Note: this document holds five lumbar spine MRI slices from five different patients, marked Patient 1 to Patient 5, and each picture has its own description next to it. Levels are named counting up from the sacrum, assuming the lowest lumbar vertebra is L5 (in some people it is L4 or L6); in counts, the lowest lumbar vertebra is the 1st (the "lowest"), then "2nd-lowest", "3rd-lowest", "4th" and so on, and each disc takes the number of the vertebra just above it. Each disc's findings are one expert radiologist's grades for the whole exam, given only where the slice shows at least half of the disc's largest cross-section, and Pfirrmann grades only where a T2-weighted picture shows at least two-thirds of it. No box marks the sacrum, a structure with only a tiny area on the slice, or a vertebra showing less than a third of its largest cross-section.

Patient 1 of 5:
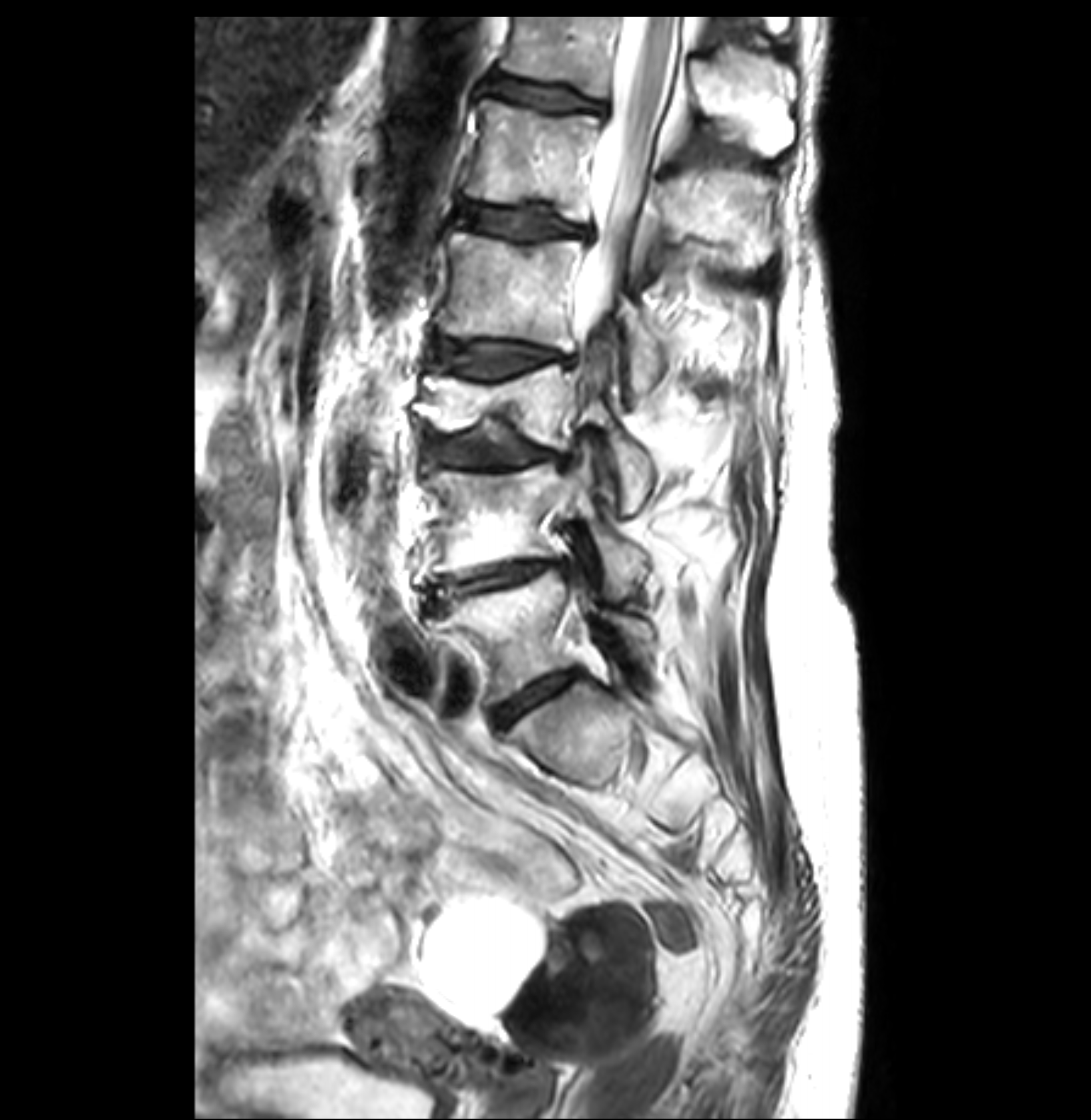
MRI lumbar spine (T2-weighted), sagittal plane. Sex F.
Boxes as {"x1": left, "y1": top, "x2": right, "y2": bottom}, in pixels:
5th vertebra at {"x1": 465, "y1": 100, "x2": 779, "y2": 266}, lowest disc at {"x1": 492, "y1": 671, "x2": 577, "y2": 725}, 5th disc at {"x1": 460, "y1": 203, "x2": 594, "y2": 242}, lowest vertebra at {"x1": 426, "y1": 568, "x2": 654, "y2": 703}, 6th disc at {"x1": 480, "y1": 68, "x2": 611, "y2": 118}, 2nd-lowest disc at {"x1": 426, "y1": 559, "x2": 567, "y2": 610}, 6th vertebra at {"x1": 501, "y1": 15, "x2": 796, "y2": 156}, 2nd-lowest vertebra at {"x1": 424, "y1": 457, "x2": 647, "y2": 600}, 3rd-lowest vertebra at {"x1": 414, "y1": 364, "x2": 652, "y2": 512}, spinal canal at {"x1": 575, "y1": 15, "x2": 679, "y2": 361}, 4th vertebra at {"x1": 436, "y1": 231, "x2": 667, "y2": 396}, 4th disc at {"x1": 429, "y1": 339, "x2": 579, "y2": 378}, 3rd-lowest disc at {"x1": 424, "y1": 412, "x2": 570, "y2": 467}.

Per-level radiological findings:
- 6th disc: Pfirrmann grade 3, upper-endplate change, disc bulging
- 3rd-lowest disc: Pfirrmann grade 3, Modic type II, disc bulging, disc narrowing, upper-endplate change
- 2nd-lowest disc: Modic type II, disc narrowing, disc bulging
- 5th disc: Pfirrmann grade 3, lower-endplate change, upper-endplate change
- 4th disc: Pfirrmann grade 3, disc bulging, Modic type II

Patient 2 of 5:
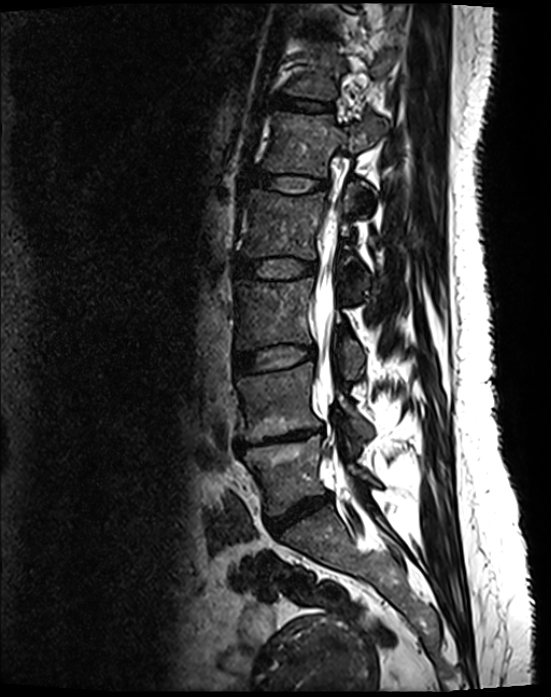
Sagittal T2 SPACE (3D) lumbar spine MRI, Sagittal slice index 55, Image 551x697, Sex F
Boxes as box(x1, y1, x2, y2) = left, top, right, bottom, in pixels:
4th vertebra at box(242, 184, 368, 297); 7th disc at box(311, 27, 323, 31); 5th disc at box(252, 173, 325, 190); 2nd-lowest disc at box(236, 428, 322, 450); 2nd-lowest vertebra at box(237, 364, 373, 443); 6th disc at box(277, 98, 329, 110); 3rd-lowest vertebra at box(236, 278, 363, 378); thecal sac / spinal canal at box(314, 205, 339, 400); 5th vertebra at box(263, 111, 387, 177); 6th vertebra at box(285, 43, 384, 99); 3rd-lowest disc at box(235, 346, 314, 374); lowest vertebra at box(244, 435, 374, 515); 4th disc at box(235, 259, 315, 279); lowest disc at box(267, 495, 331, 532).

Radiological gradings:
- lowest disc: Pfirrmann grade 4, disc bulging, disc narrowing
- 2nd-lowest disc: Pfirrmann grade 5, lower-endplate change, disc bulging, Modic type II, disc narrowing, upper-endplate change
- 4th disc: Pfirrmann grade 2
- 5th disc: Pfirrmann grade 2
- 6th disc: Pfirrmann grade 2
- 3rd-lowest disc: Pfirrmann grade 2

Patient 3 of 5:
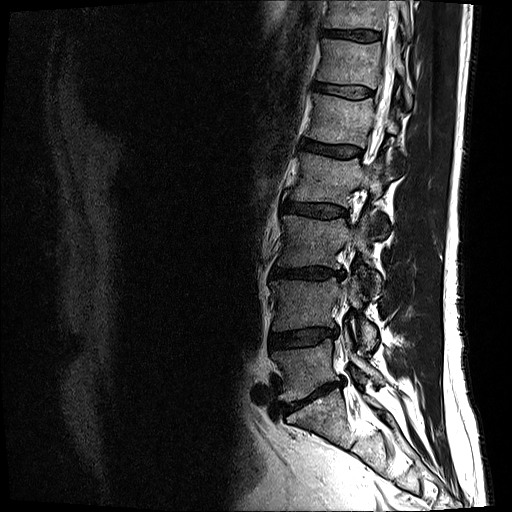 Sex M, Lumbar spine MR, T2-weighted, sagittal, Field of view 300x300 mm, slice spacing 3.3 mm

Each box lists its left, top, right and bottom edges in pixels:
6th disc — left=314, top=82, right=372, bottom=98 | 2nd-lowest vertebra — left=270, top=275, right=378, bottom=350 | 2nd-lowest disc — left=270, top=328, right=338, bottom=348 | 4th disc — left=283, top=201, right=348, bottom=218 | 7th vertebra — left=323, top=0, right=412, bottom=38 | 5th vertebra — left=305, top=93, right=403, bottom=164 | 3rd-lowest disc — left=271, top=267, right=343, bottom=279 | 7th disc — left=320, top=30, right=379, bottom=41 | 3rd-lowest vertebra — left=277, top=215, right=381, bottom=299 | thecal sac / spinal canal — left=368, top=6, right=397, bottom=164 | lowest vertebra — left=272, top=333, right=385, bottom=403 | 5th disc — left=301, top=140, right=361, bottom=157 | lowest disc — left=279, top=382, right=341, bottom=414 | 6th vertebra — left=317, top=38, right=412, bottom=107 | 4th vertebra — left=290, top=151, right=388, bottom=237

Radiological gradings:
• 6th disc: Pfirrmann grade 3
• 5th disc: Pfirrmann grade 4
• lowest disc: Pfirrmann grade 5, disc narrowing, disc bulging, Modic type II
• 7th disc: Pfirrmann grade 4
• 4th disc: Pfirrmann grade 3, disc bulging
• 3rd-lowest disc: Pfirrmann grade 4, lower-endplate change, disc narrowing, disc bulging
• 2nd-lowest disc: Pfirrmann grade 3, disc bulging, disc narrowing

Patient 4 of 5:
SIEMENS Avanto_fit (1.5T), Sex F, Lumbar spine MR, T1-weighted, sagittal

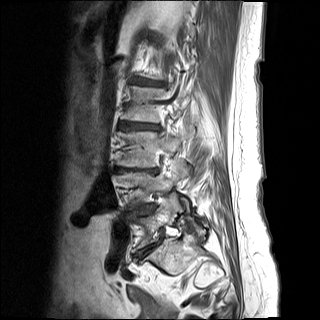 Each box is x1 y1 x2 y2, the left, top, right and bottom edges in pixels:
4th disc: 119 122 156 130.
3rd-lowest disc: 116 168 154 172.
5th disc: 136 78 160 85.
2nd-lowest disc: 136 207 149 214.
Lowest vertebra: 134 193 182 247.
3rd-lowest vertebra: 117 131 180 167.
4th vertebra: 121 86 189 122.

Degenerative findings by level:
• 3rd-lowest disc: Modic type II, disc narrowing, lower-endplate change, upper-endplate change, disc bulging
• 4th disc: lower-endplate change, disc narrowing, disc bulging, upper-endplate change, Modic type II

Patient 5 of 5:
Sagittal T1-weighted lumbar spine MRI. Sagittal slice index 11.
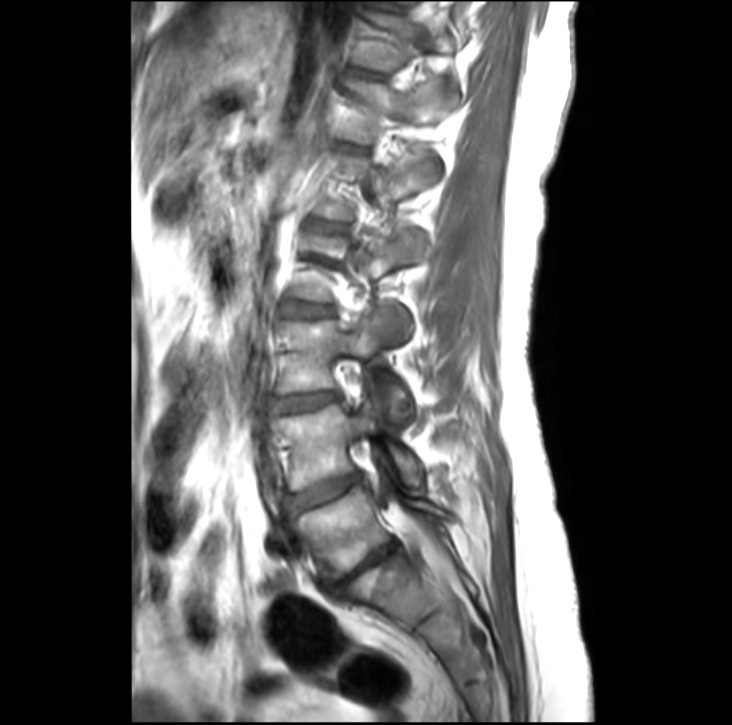

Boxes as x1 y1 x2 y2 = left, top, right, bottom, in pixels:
T11/T12 — 356 72 382 79.
L4 vertebra — 275 384 424 490.
IVD L2/L3 — 286 304 330 318.
IVD L3/L4 — 273 395 337 410.
L5/S1 — 323 544 398 593.
L2 vertebra — 293 232 427 344.
L1/L2 — 310 219 339 233.
L3 — 279 314 417 420.
Spinal canal — 430 558 443 581.
IVD L4/L5 — 289 475 360 512.
L1 vertebra — 315 143 440 220.
L5 — 296 488 448 578.
T12 — 337 80 454 142.

Radiological gradings:
• L5/S1: lower-endplate change, disc bulging, disc narrowing, Modic type II, upper-endplate change
• L3/L4: disc bulging
• L4/L5: disc bulging